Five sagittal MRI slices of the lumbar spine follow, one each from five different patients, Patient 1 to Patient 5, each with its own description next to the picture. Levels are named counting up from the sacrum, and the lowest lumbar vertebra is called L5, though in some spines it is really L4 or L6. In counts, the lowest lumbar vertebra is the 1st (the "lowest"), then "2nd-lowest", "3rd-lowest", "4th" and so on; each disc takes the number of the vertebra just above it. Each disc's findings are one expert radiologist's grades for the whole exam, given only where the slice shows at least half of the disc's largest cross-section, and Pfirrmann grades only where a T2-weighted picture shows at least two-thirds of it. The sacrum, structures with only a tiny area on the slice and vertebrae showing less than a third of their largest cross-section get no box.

Patient 1 of 5:
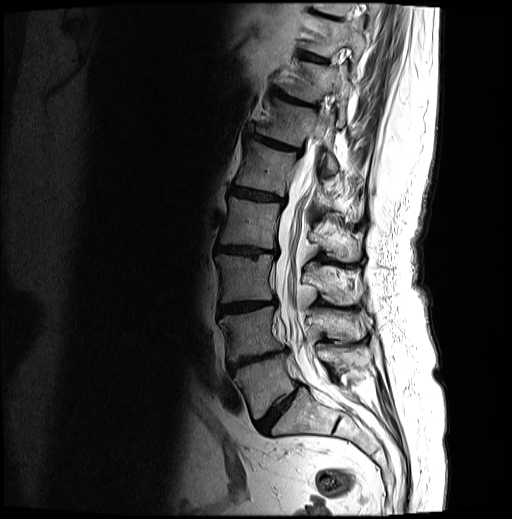
Sex F | Image 512x519 | MRI lumbar spine (T2-weighted), sagittal plane
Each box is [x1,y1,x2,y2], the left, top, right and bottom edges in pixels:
{"lowest disc": "[256,382,301,432]", "9th vertebra": "[313,3,379,19]", "4th vertebra": "[220,197,362,261]", "thecal sac / spinal canal": "[275,136,341,401]", "8th disc": "[300,51,327,62]", "4th disc": "[216,245,277,256]", "7th disc": "[274,89,317,108]", "7th vertebra": "[281,61,353,123]", "2nd-lowest disc": "[228,348,288,372]", "2nd-lowest vertebra": "[219,306,372,362]", "5th disc": "[230,187,285,205]", "6th disc": "[249,133,301,155]", "6th vertebra": "[256,98,338,173]", "lowest vertebra": "[234,346,370,419]", "8th vertebra": "[302,16,365,57]", "3rd-lowest vertebra": "[215,254,362,305]", "5th vertebra": "[235,141,359,221]", "3rd-lowest disc": "[218,300,277,314]"}

Degenerative findings by level:
• 7th disc: Pfirrmann grade 5, Modic type II, upper-endplate change, disc bulging, lower-endplate change, disc narrowing
• 4th disc: Pfirrmann grade 4, disc narrowing, upper-endplate change, disc bulging, lower-endplate change, Modic type II
• lowest disc: Pfirrmann grade 4, disc narrowing, disc bulging
• 2nd-lowest disc: Pfirrmann grade 5, disc bulging, Modic type II, upper-endplate change, lower-endplate change, disc narrowing
• 3rd-lowest disc: Pfirrmann grade 4, upper-endplate change, lower-endplate change, disc narrowing, Modic type II, disc bulging
• 5th disc: Pfirrmann grade 4, disc bulging, Modic type II, lower-endplate change, upper-endplate change, disc narrowing
• 6th disc: Pfirrmann grade 4, disc bulging, upper-endplate change, disc narrowing, Modic type II, lower-endplate change

Patient 2 of 5:
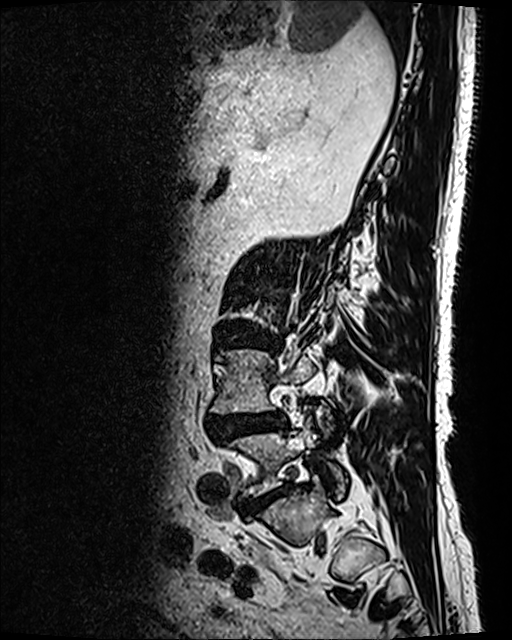 Field of view 240x300 mm. Patient sex: M. Sagittal T2 SPACE (3D) lumbar spine MRI. Sagittal slice index 31. Image 512x640.

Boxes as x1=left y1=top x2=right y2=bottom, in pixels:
L5: x1=231 y1=419 x2=347 y2=497
IVD L4/L5: x1=210 y1=412 x2=285 y2=440
IVD L5/S1: x1=249 y1=486 x2=287 y2=513
L4 vertebra: x1=211 y1=349 x2=315 y2=413
L3/L4: x1=218 y1=333 x2=272 y2=348

Degenerative findings by level:
- L4/L5: Pfirrmann grade 4, disc narrowing, spondylolisthesis, Modic type II, disc bulging, upper-endplate change, disc herniation, lower-endplate change

Patient 3 of 5:
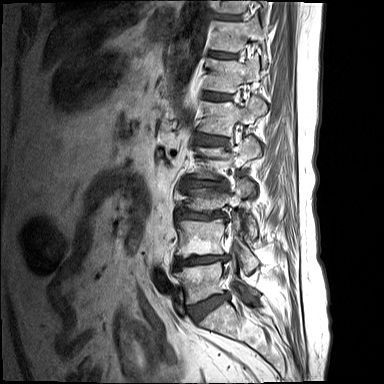

Field of view 280x280 mm, slice spacing 4.4 mm, Sagittal slice index 11, Sagittal T1-weighted lumbar spine MRI

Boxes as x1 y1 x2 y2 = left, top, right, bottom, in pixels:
Intervertebral disc L1/L2 at 195 133 228 145, intervertebral disc L3/L4 at 175 209 228 221, T11 at 211 20 266 65, intervertebral disc L4/L5 at 175 255 230 269, intervertebral disc L5/S1 at 188 293 228 321, intervertebral disc T12/L1 at 203 91 232 99, L2 at 194 136 261 179, T10 at 218 0 267 13, L5 vertebra at 174 252 258 303, T12 at 205 54 260 92, L4 at 176 212 258 274, T11/T12 at 209 52 237 58, T10/T11 at 215 14 240 20, L3 at 181 179 257 238, L1 vertebra at 199 96 266 136, intervertebral disc L2/L3 at 182 180 228 189.

Radiological gradings:
• L5/S1: upper-endplate change, disc bulging, lower-endplate change
• L4/L5: disc bulging, lower-endplate change, upper-endplate change, disc narrowing
• L2/L3: disc bulging, disc narrowing, lower-endplate change, upper-endplate change
• L1/L2: lower-endplate change, upper-endplate change, disc bulging
• L3/L4: upper-endplate change, lower-endplate change, disc bulging, disc narrowing
• T11/T12, T12/L1: no Modic or endplate change, herniation, narrowing, bulging or spondylolisthesis recorded

Patient 4 of 5:
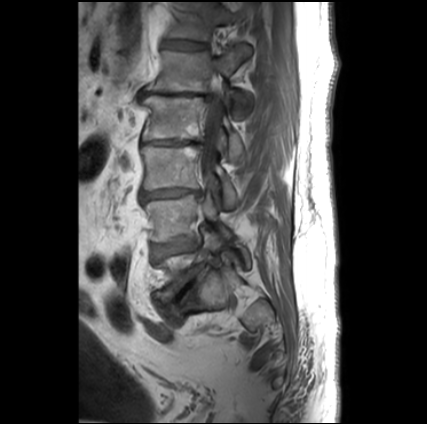

Sex M; T1-weighted sagittal MRI of the lumbar spine; Slice 11 of 30

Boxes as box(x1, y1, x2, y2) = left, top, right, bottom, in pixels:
{"disc L4/L5": "box(152, 241, 197, 256)", "L1": "box(145, 44, 251, 106)", "L3": "box(141, 145, 236, 206)", "disc L3/L4": "box(141, 189, 201, 200)", "L1/L2": "box(141, 90, 211, 98)", "disc T12/L1": "box(164, 41, 205, 49)", "L4 vertebra": "box(143, 194, 217, 242)", "L2/L3": "box(147, 140, 196, 145)", "L2": "box(140, 95, 243, 158)", "L5 vertebra": "box(156, 232, 250, 300)", "T12 vertebra": "box(168, 2, 244, 40)", "disc L5/S1": "box(165, 264, 206, 305)", "thecal sac / spinal canal": "box(202, 95, 222, 184)"}

Expert MSK radiologist gradings (per disc):
- L1/L2: disc herniation, Modic type II, lower-endplate change, upper-endplate change, disc bulging, disc narrowing
- L4/L5: Modic type II
- L3/L4: upper-endplate change, disc narrowing, Modic type II, lower-endplate change, disc bulging
- L2/L3: upper-endplate change, disc narrowing, disc bulging, Modic type II, lower-endplate change
- T12/L1: no spondylolisthesis, narrowing, bulging, herniation, Modic or endplate change recorded

Patient 5 of 5:
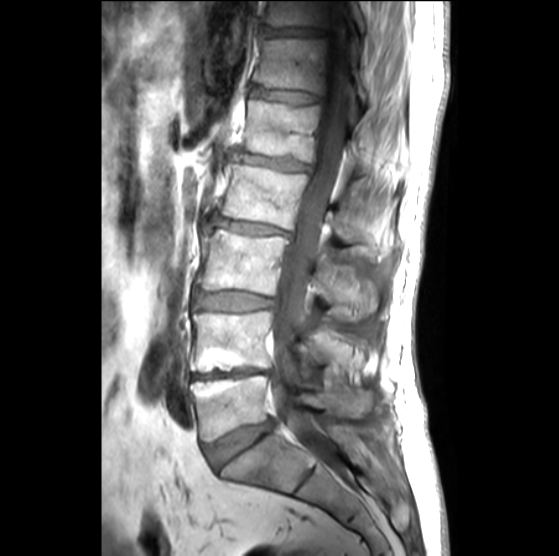
Slice 15/27, Sagittal T1-weighted lumbar spine MRI, Sex M, Field of view 282x281 mm
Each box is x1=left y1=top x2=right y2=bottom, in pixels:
L2 vertebra at x1=218 y1=158 x2=394 y2=259 | intervertebral disc L4/L5 at x1=190 y1=368 x2=271 y2=378 | L1 at x1=240 y1=98 x2=407 y2=177 | L3 at x1=197 y1=224 x2=377 y2=319 | thecal sac / spinal canal at x1=271 y1=1 x2=350 y2=462 | T12 vertebra at x1=254 y1=38 x2=368 y2=103 | intervertebral disc L3/L4 at x1=193 y1=290 x2=277 y2=310 | intervertebral disc L1/L2 at x1=233 y1=152 x2=311 y2=171 | T11 vertebra at x1=266 y1=1 x2=366 y2=31 | T12/L1 at x1=250 y1=86 x2=321 y2=103 | L5 at x1=191 y1=374 x2=371 y2=441 | intervertebral disc L2/L3 at x1=209 y1=214 x2=290 y2=234 | T11/T12 at x1=262 y1=26 x2=325 y2=35 | L4 vertebra at x1=190 y1=311 x2=330 y2=371 | intervertebral disc L5/S1 at x1=205 y1=420 x2=273 y2=468

Degenerative findings by level:
- L4/L5: upper-endplate change, lower-endplate change, Modic type II, disc narrowing
- L1/L2: Modic type III, upper-endplate change, disc narrowing, disc bulging, lower-endplate change
- L3/L4: disc bulging
- T11/T12: disc narrowing
- T12/L1: disc narrowing
- L5/S1: disc bulging
- L2/L3: disc narrowing, upper-endplate change, lower-endplate change, Modic type II, disc bulging